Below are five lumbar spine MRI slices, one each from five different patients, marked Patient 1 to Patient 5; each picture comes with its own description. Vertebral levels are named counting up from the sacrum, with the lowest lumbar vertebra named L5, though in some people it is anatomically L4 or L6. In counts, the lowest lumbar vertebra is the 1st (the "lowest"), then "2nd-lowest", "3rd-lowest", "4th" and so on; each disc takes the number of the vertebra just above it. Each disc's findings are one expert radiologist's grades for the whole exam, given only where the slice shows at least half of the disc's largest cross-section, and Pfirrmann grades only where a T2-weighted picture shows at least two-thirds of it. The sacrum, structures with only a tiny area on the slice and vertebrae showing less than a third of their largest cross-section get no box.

Patient 1 of 5:
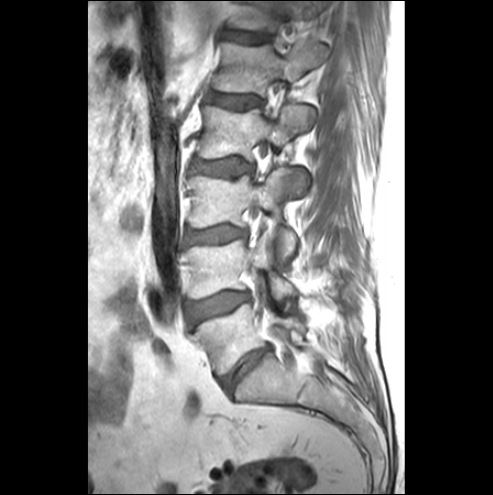 MRI lumbar spine (T1-weighted), sagittal plane; Image 493x495
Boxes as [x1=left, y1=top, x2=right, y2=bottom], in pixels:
L3 (3rd-lowest vertebra) at [x1=189, y1=167, x2=295, y2=261].
L4 (2nd-lowest vertebra) at [x1=186, y1=233, x2=295, y2=309].
L3/L4 (3rd-lowest disc) at [x1=187, y1=226, x2=245, y2=242].
L1/L2 (5th disc) at [x1=208, y1=92, x2=261, y2=108].
L1 (5th vertebra) at [x1=216, y1=40, x2=327, y2=94].
T12 (6th vertebra) at [x1=232, y1=1, x2=323, y2=30].
T12/L1 (6th disc) at [x1=223, y1=31, x2=271, y2=43].
L4/L5 (2nd-lowest disc) at [x1=188, y1=292, x2=248, y2=322].
L2/L3 (4th disc) at [x1=191, y1=159, x2=252, y2=175].
IVD L5/S1 (lowest disc) at [x1=221, y1=347, x2=270, y2=390].
L5 (lowest vertebra) at [x1=192, y1=303, x2=306, y2=374].
L2 (4th vertebra) at [x1=198, y1=104, x2=311, y2=196].

Per-level radiological findings:
  L3/L4 (3rd-lowest disc): disc bulging
  L4/L5 (2nd-lowest disc): disc bulging, Modic type III
  L5/S1 (lowest disc): disc narrowing, disc bulging
  L1/L2 (5th disc), L2/L3 (4th disc), T12/L1 (6th disc): no herniation, bulging, narrowing, spondylolisthesis, endplate or Modic change recorded

Patient 2 of 5:
Sagittal slice index 8 | Lumbar spine MR, T2-weighted, sagittal

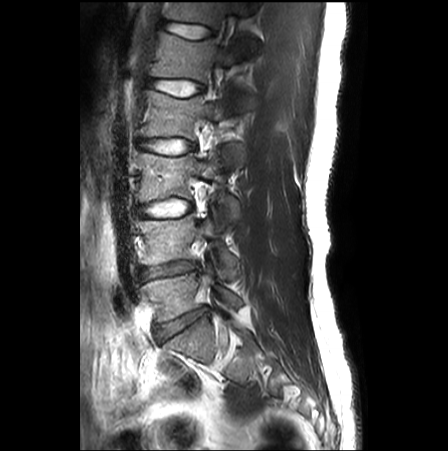 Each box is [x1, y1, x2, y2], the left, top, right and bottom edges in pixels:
{"L2 (4th vertebra)": "[141, 91, 231, 165]", "L4/L5 (2nd-lowest disc)": "[141, 261, 194, 279]", "intervertebral disc L3/L4 (3rd-lowest disc)": "[139, 199, 191, 217]", "L4 (2nd-lowest vertebra)": "[140, 215, 236, 278]", "L5/S1 (lowest disc)": "[156, 307, 208, 341]", "T12/L1 (6th disc)": "[164, 21, 211, 38]", "L3 (3rd-lowest vertebra)": "[138, 145, 242, 227]", "L2/L3 (4th disc)": "[142, 138, 195, 154]", "L1 (5th vertebra)": "[150, 32, 240, 81]", "T12 (6th vertebra)": "[165, 2, 258, 54]", "L5 (lowest vertebra)": "[142, 265, 242, 321]", "L1/L2 (5th disc)": "[148, 78, 203, 95]"}

Expert MSK radiologist gradings (per disc):
• L4/L5 (2nd-lowest disc): disc narrowing, disc bulging
• L5/S1 (lowest disc): disc narrowing, disc bulging
• L3/L4 (3rd-lowest disc): Pfirrmann grade 1
• T12/L1 (6th disc): Pfirrmann grade 1, lower-endplate change
• L2/L3 (4th disc): Pfirrmann grade 1
• L1/L2 (5th disc): Pfirrmann grade 1

Patient 3 of 5:
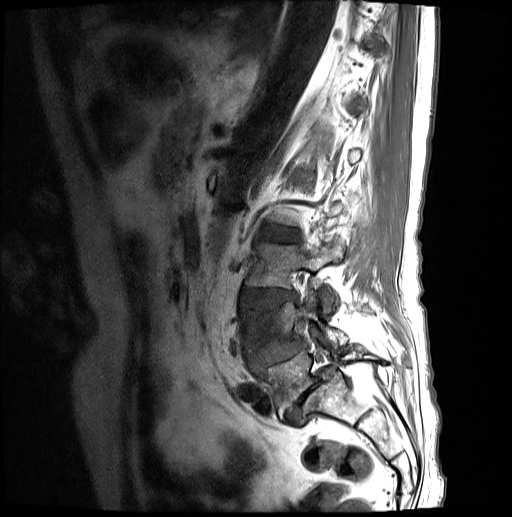 Image 512x517. Field of view 300x303 mm, slice spacing 3.3 mm. Slice 18 of 24. MRI lumbar spine (T1-weighted), sagittal plane. Sex M.
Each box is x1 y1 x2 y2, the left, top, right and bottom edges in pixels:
L5 at 251 348 379 417, intervertebral disc L3/L4 at 240 288 297 307, L4/L5 at 246 339 307 368, intervertebral disc L5/S1 at 285 369 331 425, L2/L3 at 259 226 300 242, L4 vertebra at 239 291 347 352, L3 vertebra at 245 242 343 312.

Per-level radiological findings:
- L2/L3: disc bulging
- L5/S1: Modic type II, spondylolisthesis, disc herniation, disc narrowing
- L4/L5: lower-endplate change, spondylolisthesis, disc narrowing, disc herniation, upper-endplate change
- L3/L4: upper-endplate change, lower-endplate change, disc bulging

Patient 4 of 5:
MRI lumbar spine (T2-weighted), sagittal plane | Field of view 280x285 mm | Philips Healthcare Ingenia (3T) | Slice 16/30 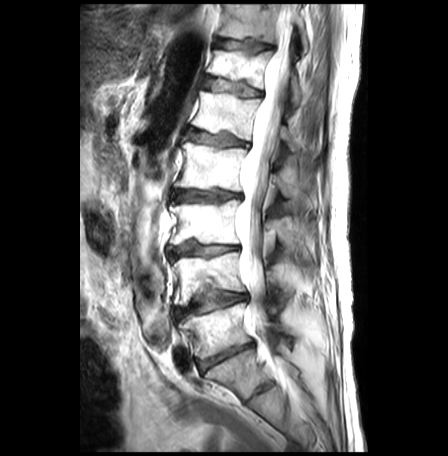

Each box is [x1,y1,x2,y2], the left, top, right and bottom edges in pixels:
L5/S1: [198,343,252,372]
T12/L1: [203,76,261,96]
T11 vertebra: [219,4,308,52]
L4/L5: [175,286,247,318]
L4 vertebra: [172,252,283,305]
T12: [208,50,301,107]
L2: [174,142,292,196]
intervertebral disc T11/T12: [215,38,270,51]
L3: [169,199,295,248]
L1: [192,91,296,150]
intervertebral disc L2/L3: [173,191,241,202]
spinal canal: [237,15,297,399]
intervertebral disc L3/L4: [166,242,238,259]
L5: [180,302,291,358]
L1/L2: [188,129,247,146]

Degenerative findings by level:
• L5/S1: Modic type II, disc bulging, disc narrowing
• T12/L1: Pfirrmann grade 3, lower-endplate change, Modic type II, upper-endplate change, disc bulging
• L4/L5: Pfirrmann grade 2, Modic type II, upper-endplate change, lower-endplate change, disc bulging
• L1/L2: Pfirrmann grade 3, Modic type II, lower-endplate change, disc bulging, upper-endplate change
• T11/T12: Pfirrmann grade 1, Modic type II, lower-endplate change, upper-endplate change
• L2/L3: disc narrowing, Modic type II, lower-endplate change, disc bulging, upper-endplate change
• L3/L4: Pfirrmann grade 3, upper-endplate change, lower-endplate change, disc bulging, disc narrowing, Modic type II

Patient 5 of 5:
Field of view 285x283 mm, slice spacing 3.3 mm; 554x550 px; Slice 16/32; Sagittal T2-weighted lumbar spine MRI
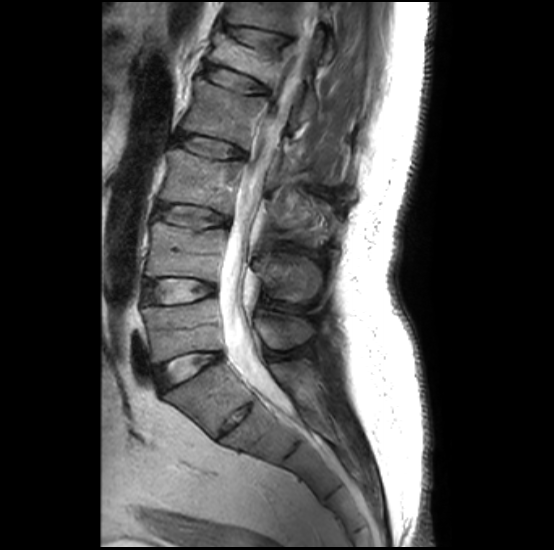
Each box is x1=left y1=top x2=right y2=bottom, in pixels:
L3/L4: x1=156 y1=204 x2=227 y2=227
L3: x1=160 y1=149 x2=326 y2=243
L1: x1=209 y1=29 x2=321 y2=119
intervertebral disc L2/L3: x1=172 y1=133 x2=245 y2=158
spinal canal: x1=219 y1=2 x2=315 y2=406
intervertebral disc T12/L1: x1=222 y1=23 x2=291 y2=45
L5 vertebra: x1=143 y1=298 x2=313 y2=362
T12 vertebra: x1=225 y1=2 x2=331 y2=58
intervertebral disc L1/L2: x1=203 y1=63 x2=268 y2=94
intervertebral disc L5/S1: x1=156 y1=353 x2=223 y2=390
L2 vertebra: x1=181 y1=77 x2=338 y2=182
L4/L5: x1=143 y1=279 x2=214 y2=303
L4 vertebra: x1=146 y1=222 x2=320 y2=301

Per-level radiological findings:
  L5/S1: Pfirrmann grade 1
  L1/L2: Pfirrmann grade 2, lower-endplate change, upper-endplate change, Modic type II
  L4/L5: Pfirrmann grade 1, lower-endplate change, upper-endplate change, Modic type II
  L2/L3: Pfirrmann grade 2, upper-endplate change, Modic type II, lower-endplate change
  T12/L1: Pfirrmann grade 2, spondylolisthesis, upper-endplate change
  L3/L4: Pfirrmann grade 2, upper-endplate change, Modic type II, lower-endplate change